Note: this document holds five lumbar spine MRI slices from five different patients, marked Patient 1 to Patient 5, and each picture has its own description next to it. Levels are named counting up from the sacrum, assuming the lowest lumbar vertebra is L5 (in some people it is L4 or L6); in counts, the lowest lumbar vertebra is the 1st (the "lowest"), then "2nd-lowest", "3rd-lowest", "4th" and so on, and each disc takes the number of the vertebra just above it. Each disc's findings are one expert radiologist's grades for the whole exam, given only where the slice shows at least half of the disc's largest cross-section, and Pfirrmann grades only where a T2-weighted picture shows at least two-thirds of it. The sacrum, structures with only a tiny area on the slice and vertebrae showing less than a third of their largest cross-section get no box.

Patient 1 of 5:
T2-weighted sagittal MRI of the lumbar spine

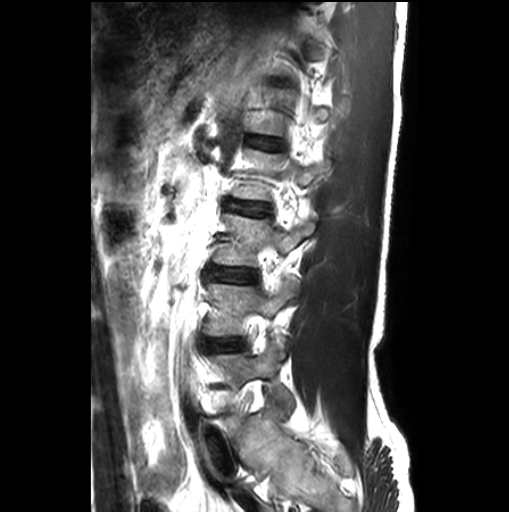 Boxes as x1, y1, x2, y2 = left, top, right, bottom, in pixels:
IVD L2/L3 at 225, 200, 264, 215; L3 at 211, 211, 314, 267; L4/L5 at 213, 339, 241, 350; L2 vertebra at 231, 149, 323, 201; L3/L4 at 209, 267, 257, 281; L5 vertebra at 211, 340, 291, 414; L4 at 204, 281, 293, 342; IVD L1/L2 at 251, 139, 280, 148; IVD T12/L1 at 269, 79, 286, 84.

Radiological gradings:
• L3/L4, L2/L3: no Modic or endplate change, herniation, narrowing, bulging or spondylolisthesis recorded

Patient 2 of 5:
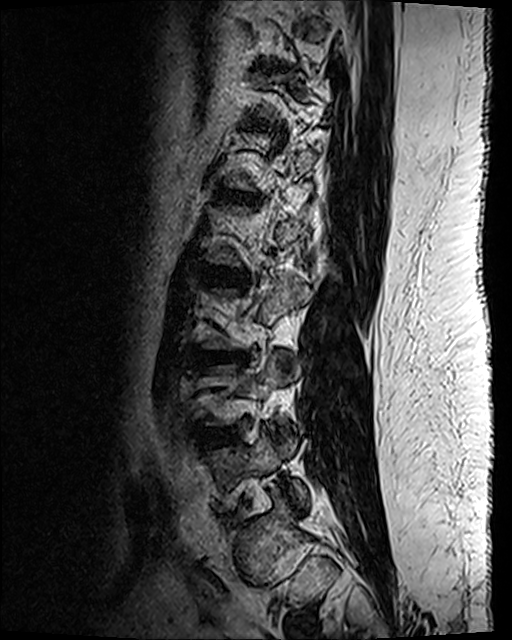
Lumbar spine MR, T2 SPACE (3D), sagittal. Slice 85 of 120.

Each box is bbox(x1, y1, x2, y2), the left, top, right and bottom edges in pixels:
L2/L3 = bbox(207, 271, 246, 285).
L1/L2 = bbox(220, 191, 256, 205).
Disc L3/L4 = bbox(203, 353, 242, 364).
L5 = bbox(213, 433, 307, 504).
L4/L5 = bbox(199, 430, 230, 443).

Patient 3 of 5:
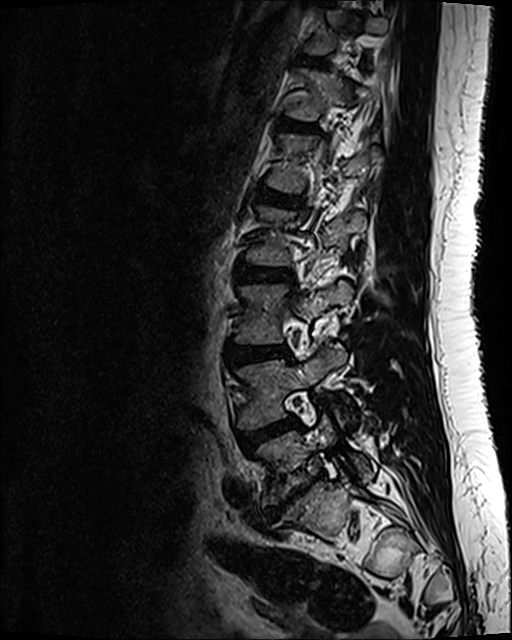 Field of view 240x300 mm, slice spacing 0.9 mm, Sex F, Slice 38 of 120, Lumbar spine MR, T2 SPACE (3D), sagittal
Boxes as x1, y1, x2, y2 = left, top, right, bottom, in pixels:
Segmented structures:
* L5: 257, 416, 373, 505
* L4/L5: 239, 419, 299, 449
* L3/L4: 227, 347, 288, 365
* L1 vertebra: 269, 134, 378, 191
* L2: 247, 208, 366, 265
* L3: 235, 281, 352, 344
* T12/L1: 282, 121, 315, 131
* L1/L2: 257, 188, 302, 206
* disc L5/S1: 264, 488, 305, 519
* L2/L3: 237, 265, 291, 280
* disc T11/T12: 300, 58, 320, 63
* T12 vertebra: 288, 70, 377, 119
* L4: 238, 346, 346, 428

Per-level radiological findings:
  L3/L4: disc bulging
  L4/L5: disc bulging
  L1/L2, L2/L3: no herniation, bulging, narrowing, spondylolisthesis, endplate or Modic change recorded

Patient 4 of 5:
T2 SPACE (3D) sagittal MRI of the lumbar spine | Slice 71 of 120 | Image 512x640

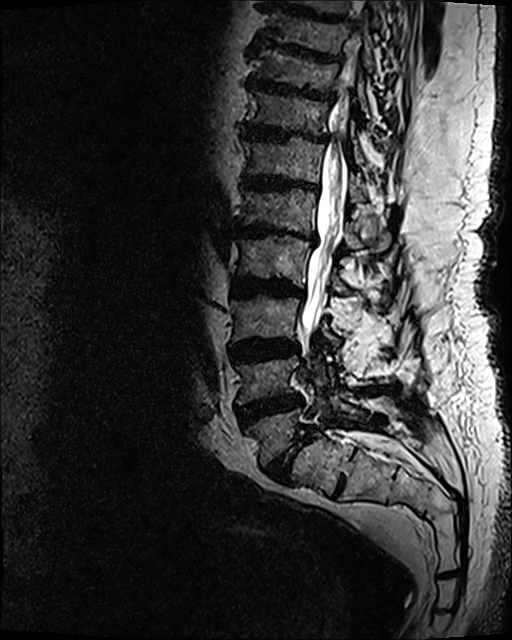

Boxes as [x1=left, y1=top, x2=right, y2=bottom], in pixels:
T11 = [x1=248, y1=90, x2=364, y2=163].
IVD T9/T10 = [x1=248, y1=44, x2=343, y2=64].
L5 vertebra = [x1=244, y1=394, x2=388, y2=465].
IVD L4/L5 = [x1=235, y1=394, x2=304, y2=428].
T12/L1 = [x1=242, y1=174, x2=318, y2=192].
T12 = [x1=243, y1=138, x2=365, y2=202].
L2 = [x1=237, y1=234, x2=390, y2=301].
L3 = [x1=229, y1=295, x2=340, y2=346].
T10/T11 = [x1=247, y1=75, x2=334, y2=103].
IVD L1/L2 = [x1=232, y1=224, x2=316, y2=246].
IVD T11/T12 = [x1=241, y1=121, x2=328, y2=143].
IVD L5/S1 = [x1=266, y1=426, x2=314, y2=482].
IVD L3/L4 = [x1=229, y1=338, x2=299, y2=363].
L4 vertebra = [x1=236, y1=342, x2=337, y2=403].
Spinal canal = [x1=302, y1=13, x2=361, y2=339].
L1 = [x1=240, y1=186, x2=391, y2=251].
T10 = [x1=255, y1=48, x2=369, y2=115].
L2/L3 = [x1=231, y1=277, x2=303, y2=297].

Per-level radiological findings:
  T10/T11: Pfirrmann grade 5, Modic type II, disc bulging, upper-endplate change, disc narrowing, lower-endplate change
  T9/T10: Pfirrmann grade 5, lower-endplate change, Modic type II, upper-endplate change, disc narrowing, disc bulging
  T11/T12: Pfirrmann grade 5, lower-endplate change, Modic type II, disc bulging, upper-endplate change, disc narrowing
  L4/L5: Pfirrmann grade 5, lower-endplate change, upper-endplate change, disc narrowing, Modic type II, disc bulging
  L2/L3: Pfirrmann grade 5, upper-endplate change, lower-endplate change, Modic type II, disc bulging, disc narrowing
  L3/L4: Pfirrmann grade 5, disc narrowing, lower-endplate change, Modic type II, upper-endplate change, disc bulging
  T12/L1: Pfirrmann grade 5, disc bulging, upper-endplate change, Modic type II, lower-endplate change, disc narrowing
  L1/L2: upper-endplate change, disc narrowing, lower-endplate change, disc bulging, Modic type II
  L5/S1: Pfirrmann grade 5, Modic type II, upper-endplate change, spondylolisthesis, disc narrowing, lower-endplate change, disc bulging

Patient 5 of 5:
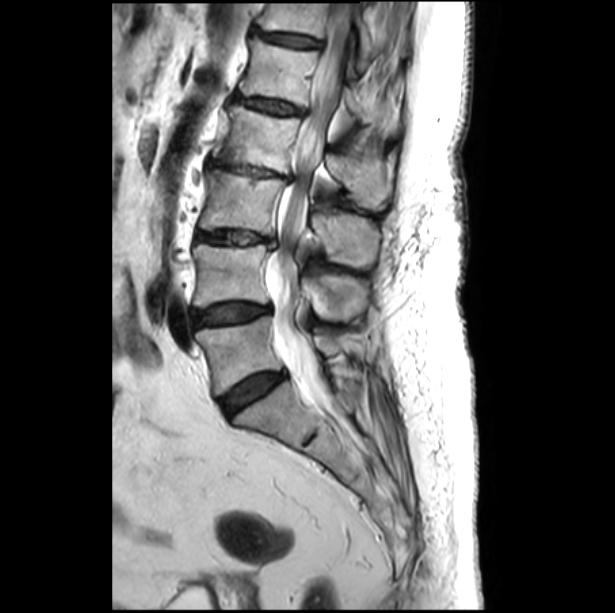 T2-weighted sagittal MRI of the lumbar spine
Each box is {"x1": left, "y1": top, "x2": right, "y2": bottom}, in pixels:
Disc L5/S1 at {"x1": 220, "y1": 373, "x2": 284, "y2": 415}.
T12/L1 at {"x1": 256, "y1": 30, "x2": 322, "y2": 47}.
Disc L2/L3 at {"x1": 208, "y1": 160, "x2": 291, "y2": 181}.
L3 vertebra at {"x1": 199, "y1": 169, "x2": 379, "y2": 266}.
L4 at {"x1": 192, "y1": 244, "x2": 366, "y2": 320}.
L2 at {"x1": 213, "y1": 105, "x2": 392, "y2": 208}.
T12 vertebra at {"x1": 257, "y1": 3, "x2": 402, "y2": 73}.
L1 at {"x1": 240, "y1": 38, "x2": 398, "y2": 134}.
L5 vertebra at {"x1": 195, "y1": 316, "x2": 366, "y2": 395}.
L3/L4 at {"x1": 196, "y1": 231, "x2": 275, "y2": 246}.
Spinal canal at {"x1": 267, "y1": 3, "x2": 351, "y2": 398}.
L4/L5 at {"x1": 191, "y1": 302, "x2": 271, "y2": 327}.
Disc L1/L2 at {"x1": 234, "y1": 95, "x2": 302, "y2": 114}.

Degenerative findings by level:
- L4/L5: Pfirrmann grade 4, disc bulging
- T12/L1: Pfirrmann grade 3, disc bulging, upper-endplate change, Modic type II, lower-endplate change
- L5/S1: Pfirrmann grade 4, disc bulging
- L3/L4: Pfirrmann grade 3, lower-endplate change, Modic type II, disc narrowing, disc bulging, upper-endplate change
- L1/L2: Pfirrmann grade 3, lower-endplate change, Modic type II, upper-endplate change, disc bulging
- L2/L3: upper-endplate change, disc bulging, disc narrowing, Modic type II, lower-endplate change